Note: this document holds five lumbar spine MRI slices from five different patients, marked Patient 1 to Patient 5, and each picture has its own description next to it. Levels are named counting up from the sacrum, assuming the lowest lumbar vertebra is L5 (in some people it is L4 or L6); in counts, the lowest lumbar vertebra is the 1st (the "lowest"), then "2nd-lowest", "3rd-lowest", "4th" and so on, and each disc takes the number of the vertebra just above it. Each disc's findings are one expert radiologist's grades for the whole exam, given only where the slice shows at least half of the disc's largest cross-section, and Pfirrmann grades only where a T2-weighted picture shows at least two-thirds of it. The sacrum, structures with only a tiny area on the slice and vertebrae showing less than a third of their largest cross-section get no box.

Patient 1 of 5:
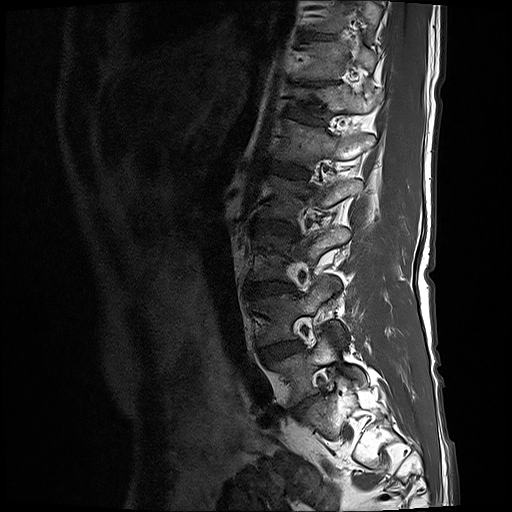 Image 512x512. Lumbar spine MR, T1-weighted, sagittal. Field of view 300x300 mm. Slice 15/17.
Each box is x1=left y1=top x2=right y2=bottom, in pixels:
Structures:
* T11 vertebra at x1=299 y1=43 x2=375 y2=79
* disc L1/L2 at x1=270 y1=159 x2=308 y2=178
* disc L5/S1 at x1=291 y1=393 x2=321 y2=418
* L4 vertebra at x1=258 y1=277 x2=338 y2=344
* disc T11/T12 at x1=305 y1=81 x2=330 y2=85
* T12 at x1=294 y1=86 x2=381 y2=118
* disc T10/T11 at x1=313 y1=34 x2=333 y2=38
* disc L4/L5 at x1=261 y1=341 x2=301 y2=361
* L1 at x1=276 y1=119 x2=375 y2=168
* L3/L4 at x1=248 y1=280 x2=293 y2=292
* disc T12/L1 at x1=289 y1=108 x2=325 y2=124
* L2 vertebra at x1=260 y1=176 x2=362 y2=221
* L2/L3 at x1=252 y1=219 x2=297 y2=232
* L5 vertebra at x1=270 y1=334 x2=365 y2=404

Expert MSK radiologist gradings (per disc):
  L3/L4: disc narrowing, disc bulging, Modic type II
  L4/L5: disc bulging, Modic type II
  L1/L2: no Modic or endplate change, herniation, narrowing, bulging or spondylolisthesis recorded

Patient 2 of 5:
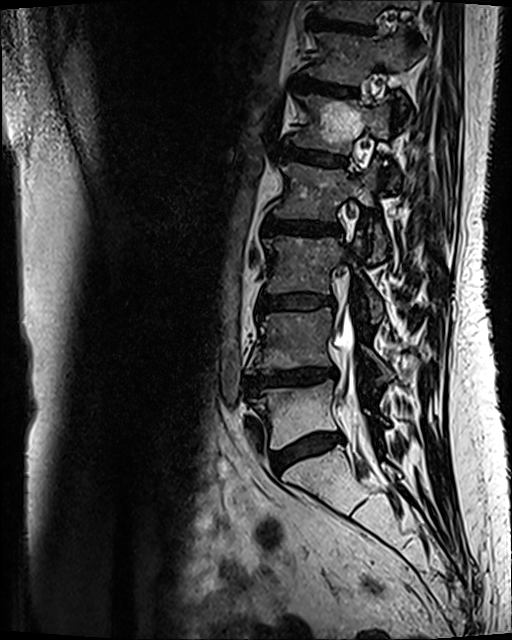 T2 SPACE (3D) sagittal MRI of the lumbar spine.
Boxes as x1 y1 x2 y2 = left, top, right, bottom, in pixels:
Segmented structures:
- L4 (2nd-lowest vertebra) at 246 308 392 381
- IVD L4/L5 (2nd-lowest disc) at 242 368 336 395
- L1 (5th vertebra) at 292 95 399 189
- L5 (lowest vertebra) at 252 380 384 448
- L3 (3rd-lowest vertebra) at 264 234 382 322
- T11/T12 (7th disc) at 310 18 372 33
- T12 (6th vertebra) at 307 30 418 108
- L5/S1 (lowest disc) at 272 434 342 473
- IVD L3/L4 (3rd-lowest disc) at 258 295 333 312
- T12/L1 (6th disc) at 294 77 356 96
- T11 (7th vertebra) at 325 0 416 21
- L2/L3 (4th disc) at 264 217 341 235
- L2 (4th vertebra) at 274 163 386 261
- L1/L2 (5th disc) at 283 147 345 166
- thecal sac / spinal canal at 333 313 353 396

Radiological gradings:
- L1/L2 (5th disc): Pfirrmann grade 3, Modic type II
- L3/L4 (3rd-lowest disc): Pfirrmann grade 3, disc bulging, Modic type II
- T12/L1 (6th disc): Pfirrmann grade 3, Modic type II
- L4/L5 (2nd-lowest disc): Pfirrmann grade 4, Modic type II, disc narrowing, lower-endplate change, upper-endplate change, disc bulging
- L5/S1 (lowest disc): Pfirrmann grade 3, disc bulging, Modic type II
- L2/L3 (4th disc): Pfirrmann grade 3, Modic type II, disc bulging
- T11/T12 (7th disc): lower-endplate change, Modic type II, upper-endplate change

Patient 3 of 5:
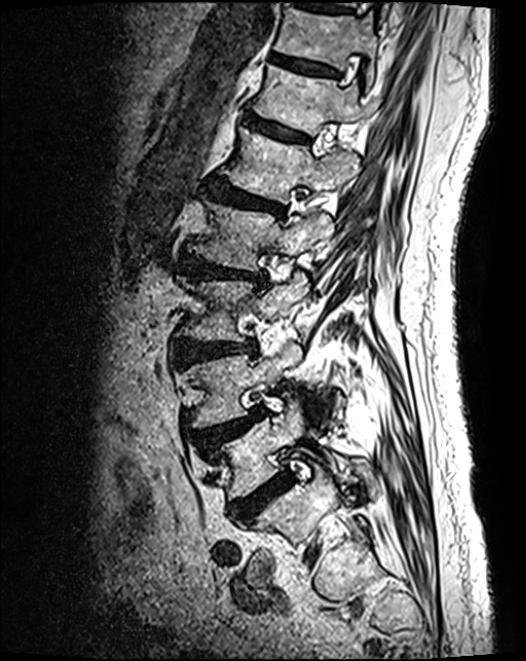 Lumbar spine MR, T2 SPACE (3D), sagittal. Sagittal slice index 82. 526x661 px. Sex M.

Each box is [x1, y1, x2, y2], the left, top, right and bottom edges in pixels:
• L5 vertebra: [213, 401, 357, 499]
• T11: [275, 5, 378, 81]
• L1/L2: [208, 181, 284, 218]
• intervertebral disc L5/S1: [231, 476, 291, 523]
• L2 vertebra: [190, 203, 333, 272]
• intervertebral disc T11/T12: [270, 54, 337, 77]
• T12: [255, 67, 365, 135]
• intervertebral disc L2/L3: [181, 255, 266, 286]
• L1: [223, 130, 355, 202]
• L4/L5: [198, 409, 265, 450]
• intervertebral disc L3/L4: [176, 342, 255, 362]
• T12/L1: [245, 117, 308, 142]
• L3 vertebra: [181, 271, 307, 342]
• L4: [186, 336, 317, 428]

Degenerative findings by level:
  L5/S1: Pfirrmann grade 4
  L3/L4: disc bulging
  L2/L3: Pfirrmann grade 4, disc narrowing, upper-endplate change, lower-endplate change, disc bulging
  T11/T12: Pfirrmann grade 3, lower-endplate change
  L1/L2: Pfirrmann grade 4, lower-endplate change, upper-endplate change, disc bulging
  L4/L5: disc herniation, upper-endplate change, spondylolisthesis
  T12/L1: Pfirrmann grade 3

Patient 4 of 5:
Lumbar spine MR, T2-weighted, sagittal | Image 448x449

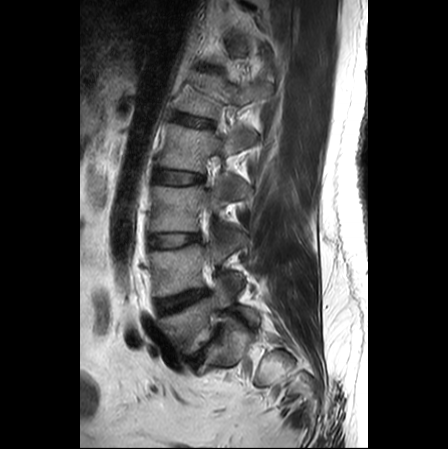

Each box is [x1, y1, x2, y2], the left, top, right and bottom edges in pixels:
L2 at [159, 124, 255, 172].
L4 vertebra at [149, 229, 247, 296].
IVD L4/L5 at [156, 290, 207, 313].
IVD L3/L4 at [150, 233, 199, 246].
L1 at [179, 72, 271, 118].
L3 at [151, 175, 245, 230].
IVD L5/S1 at [192, 330, 219, 364].
L5 vertebra at [160, 283, 258, 353].
IVD L1/L2 at [176, 114, 210, 126].
IVD L2/L3 at [155, 171, 202, 185].

Expert MSK radiologist gradings (per disc):
• L2/L3: Pfirrmann grade 1
• L4/L5: Pfirrmann grade 4, disc bulging, Modic type II
• L3/L4: Pfirrmann grade 1
• L1/L2: no Modic or endplate change, herniation, narrowing, bulging or spondylolisthesis recorded

Patient 5 of 5:
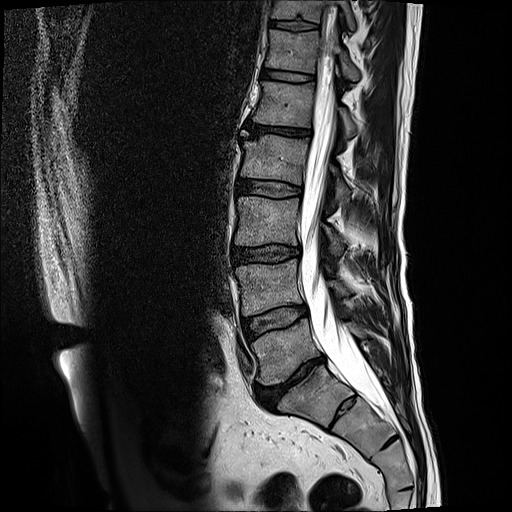

Slice spacing 3.3 mm, Sagittal slice index 6, Patient sex: M, Image 512x512, MRI lumbar spine (T2-weighted), sagittal plane
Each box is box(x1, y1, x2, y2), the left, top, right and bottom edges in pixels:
2nd-lowest vertebra: box(236, 258, 349, 314) | 7th disc: box(269, 20, 317, 29) | 6th disc: box(261, 65, 313, 81) | 5th disc: box(246, 122, 310, 135) | 4th disc: box(237, 178, 301, 196) | 5th vertebra: box(254, 80, 356, 137) | 4th vertebra: box(242, 134, 349, 200) | 3rd-lowest vertebra: box(235, 196, 343, 254) | 3rd-lowest disc: box(232, 246, 300, 262) | lowest vertebra: box(251, 318, 366, 385) | 6th vertebra: box(266, 30, 360, 79) | thecal sac / spinal canal: box(299, 10, 384, 404) | 2nd-lowest disc: box(243, 305, 305, 339) | 7th vertebra: box(271, 0, 354, 29) | lowest disc: box(257, 354, 325, 409)

Radiological gradings:
  7th disc: Pfirrmann grade 3, upper-endplate change, lower-endplate change
  3rd-lowest disc: Pfirrmann grade 3, lower-endplate change, disc bulging, upper-endplate change
  6th disc: Pfirrmann grade 3
  5th disc: Pfirrmann grade 5, lower-endplate change, disc narrowing, upper-endplate change, Modic type II, disc bulging
  2nd-lowest disc: Pfirrmann grade 3, Modic type II
  4th disc: Pfirrmann grade 3
  lowest disc: Pfirrmann grade 5, lower-endplate change, disc narrowing, Modic type II, upper-endplate change, disc bulging